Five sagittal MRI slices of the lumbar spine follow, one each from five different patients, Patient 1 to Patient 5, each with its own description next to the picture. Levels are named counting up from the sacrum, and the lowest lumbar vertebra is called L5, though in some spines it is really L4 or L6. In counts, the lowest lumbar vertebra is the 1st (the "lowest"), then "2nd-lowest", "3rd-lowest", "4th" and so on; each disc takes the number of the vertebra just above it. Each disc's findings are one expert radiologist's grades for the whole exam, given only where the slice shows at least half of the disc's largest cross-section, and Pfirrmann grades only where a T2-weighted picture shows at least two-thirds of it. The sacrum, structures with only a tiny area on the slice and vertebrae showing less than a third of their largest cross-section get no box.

Patient 1 of 5:
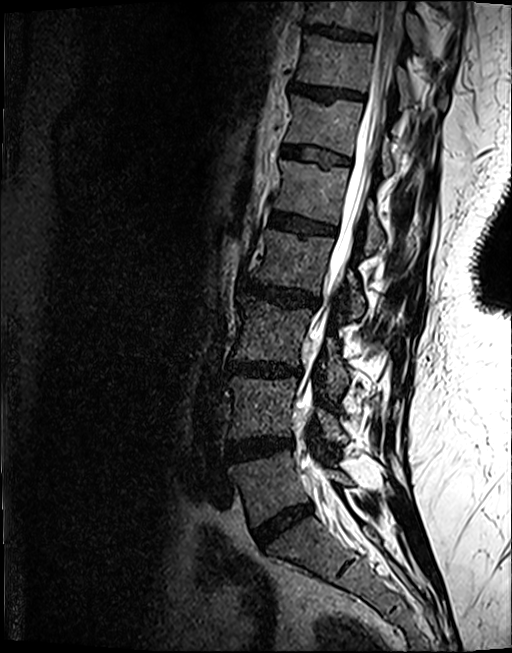 Field of view 240x301 mm, slice spacing 0.9 mm; 512x653 px; Lumbar spine MR, T2 SPACE (3D), sagittal
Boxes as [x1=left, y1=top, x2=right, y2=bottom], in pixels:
T10 vertebra: [x1=305, y1=0, x2=457, y2=63].
Spinal canal: [x1=295, y1=0, x2=405, y2=531].
L1: [x1=273, y1=159, x2=384, y2=253].
L3/L4: [x1=227, y1=362, x2=300, y2=376].
L3: [x1=232, y1=296, x2=350, y2=391].
L2/L3: [x1=241, y1=279, x2=318, y2=307].
T11: [x1=297, y1=34, x2=448, y2=108].
L2: [x1=250, y1=229, x2=415, y2=316].
T11/T12: [x1=291, y1=81, x2=361, y2=98].
L4/L5: [x1=227, y1=437, x2=292, y2=461].
T10/T11: [x1=305, y1=24, x2=369, y2=38].
L4: [x1=227, y1=376, x2=348, y2=441].
T12/L1: [x1=282, y1=145, x2=349, y2=163].
IVD L1/L2: [x1=269, y1=211, x2=334, y2=233].
T12 vertebra: [x1=285, y1=93, x2=433, y2=175].
L5/S1: [x1=254, y1=503, x2=312, y2=547].
L5: [x1=229, y1=450, x2=353, y2=526].

Expert MSK radiologist gradings (per disc):
  T10/T11: Pfirrmann grade 4, lower-endplate change, upper-endplate change
  L1/L2: Pfirrmann grade 4, lower-endplate change, upper-endplate change, Modic type II
  L4/L5: Pfirrmann grade 4, Modic type II, disc bulging, lower-endplate change
  L5/S1: Pfirrmann grade 4, disc narrowing, disc bulging
  T11/T12: Pfirrmann grade 4, upper-endplate change
  L2/L3: Pfirrmann grade 4, upper-endplate change, lower-endplate change, disc bulging
  T12/L1: Pfirrmann grade 3, upper-endplate change, lower-endplate change
  L3/L4: Pfirrmann grade 4, upper-endplate change, disc bulging, Modic type II, disc narrowing, lower-endplate change

Patient 2 of 5:
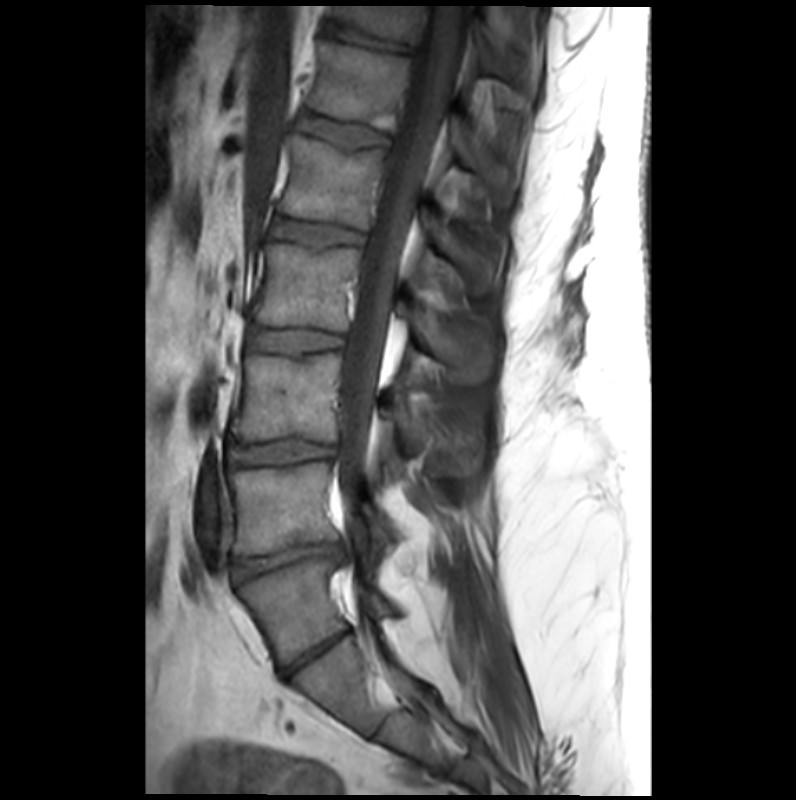 Slice 18/33; MRI lumbar spine (T1-weighted), sagittal plane; Patient sex: M
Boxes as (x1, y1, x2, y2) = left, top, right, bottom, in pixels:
thecal sac / spinal canal at (338, 6, 465, 510) | IVD T12/L1 at (299, 113, 386, 148) | T12 at (307, 42, 511, 205) | L1/L2 at (271, 219, 363, 248) | L5 at (239, 559, 396, 665) | L2 at (250, 242, 493, 381) | L4 at (227, 461, 393, 553) | IVD L3/L4 at (227, 439, 333, 464) | L3 at (231, 354, 427, 456) | T11 at (331, 5, 528, 87) | L2/L3 at (249, 328, 344, 354) | IVD L5/S1 at (280, 632, 349, 676) | T11/T12 at (325, 21, 410, 51) | L1 at (278, 134, 494, 293) | IVD L4/L5 at (232, 543, 339, 580)

Radiological gradings:
• L1/L2: upper-endplate change, lower-endplate change
• T12/L1: lower-endplate change, upper-endplate change
• L5/S1: disc narrowing
• T11/T12: lower-endplate change
• L4/L5: disc narrowing, Modic type III, spondylolisthesis, upper-endplate change, lower-endplate change, disc herniation
• L2/L3, L3/L4: no herniation, bulging, narrowing, spondylolisthesis, endplate or Modic change recorded

Patient 3 of 5:
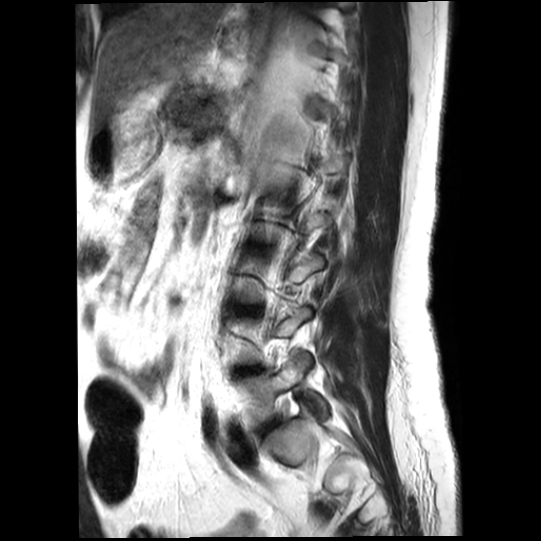
Slice 16/20. MRI lumbar spine (T2-weighted), sagittal plane.
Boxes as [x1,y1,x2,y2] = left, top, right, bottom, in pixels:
intervertebral disc L3/L4: [238,307,258,313] | intervertebral disc L5/S1: [258,419,279,434] | L4/L5: [235,367,262,375] | L5: [236,354,328,427]

Patient 4 of 5:
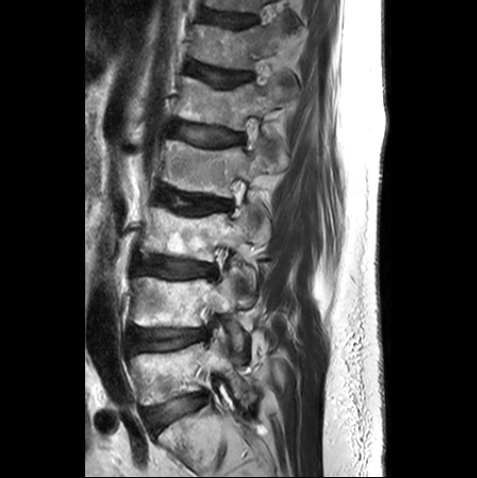 Field of view 280x281 mm, slice spacing 3.3 mm; Sagittal slice index 7; Lumbar spine MR, T2-weighted, sagittal

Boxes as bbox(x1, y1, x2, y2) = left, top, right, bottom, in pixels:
Structures:
• T11/T12 = bbox(205, 13, 252, 27)
• L4 = bbox(132, 273, 244, 352)
• IVD L1/L2 = bbox(174, 122, 242, 145)
• L4/L5 = bbox(131, 329, 205, 353)
• T11 = bbox(206, 0, 262, 11)
• L3 = bbox(139, 205, 263, 289)
• L2 = bbox(162, 140, 275, 213)
• T12/L1 = bbox(188, 64, 250, 86)
• L5/S1 = bbox(144, 394, 202, 430)
• L1 vertebra = bbox(178, 77, 297, 129)
• T12 vertebra = bbox(194, 23, 298, 69)
• IVD L2/L3 = bbox(160, 189, 230, 214)
• L5 = bbox(130, 340, 251, 406)
• L3/L4 = bbox(135, 256, 215, 277)

Expert MSK radiologist gradings (per disc):
• L2/L3: Pfirrmann grade 3, upper-endplate change
• L1/L2: Pfirrmann grade 3
• L3/L4: Pfirrmann grade 2
• T12/L1: Pfirrmann grade 3, upper-endplate change
• L4/L5: lower-endplate change

Patient 5 of 5:
Slice 7 of 17 | Sagittal T1-weighted lumbar spine MRI 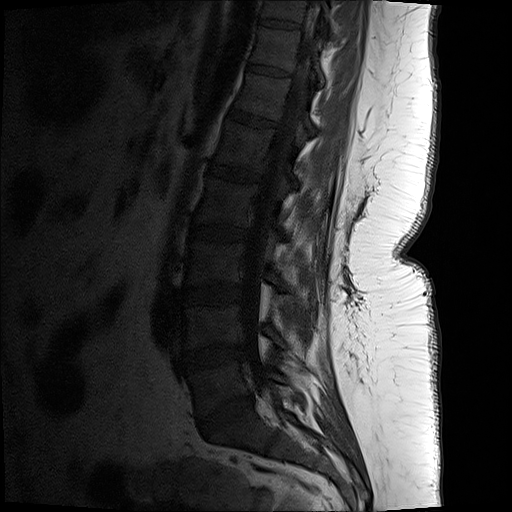
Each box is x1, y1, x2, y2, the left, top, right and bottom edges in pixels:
7th vertebra at 252, 27, 325, 85; lowest vertebra at 191, 361, 289, 415; thecal sac / spinal canal at 244, 1, 320, 395; 3rd-lowest vertebra at 187, 241, 312, 303; lowest disc at 200, 396, 254, 432; 2nd-lowest disc at 184, 344, 242, 369; 4th disc at 189, 222, 249, 241; 3rd-lowest disc at 184, 284, 242, 305; 5th vertebra at 217, 119, 298, 188; 4th vertebra at 196, 176, 286, 237; 6th vertebra at 235, 71, 316, 133; 5th disc at 206, 162, 262, 183; 8th vertebra at 261, 0, 332, 22; 2nd-lowest vertebra at 187, 303, 287, 349; 6th disc at 228, 106, 277, 127; 7th disc at 247, 62, 290, 77; 8th disc at 260, 17, 302, 29.

Per-level radiological findings:
  2nd-lowest disc: disc bulging, disc narrowing
  lowest disc: disc bulging, disc narrowing
  6th disc, 4th disc, 5th disc, 3rd-lowest disc, 7th disc, 8th disc: no herniation, bulging, narrowing, spondylolisthesis, endplate or Modic change recorded